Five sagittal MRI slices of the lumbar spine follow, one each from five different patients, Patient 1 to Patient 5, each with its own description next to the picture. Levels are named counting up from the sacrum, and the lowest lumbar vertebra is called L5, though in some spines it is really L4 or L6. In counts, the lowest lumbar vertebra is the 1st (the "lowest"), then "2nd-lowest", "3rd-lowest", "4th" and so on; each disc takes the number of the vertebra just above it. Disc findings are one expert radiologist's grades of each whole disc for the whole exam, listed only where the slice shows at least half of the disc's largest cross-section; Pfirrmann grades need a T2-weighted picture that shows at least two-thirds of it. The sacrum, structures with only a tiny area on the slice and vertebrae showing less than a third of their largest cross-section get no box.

Patient 1 of 5:
T2 SPACE (3D) sagittal MRI of the lumbar spine | 512x657 px
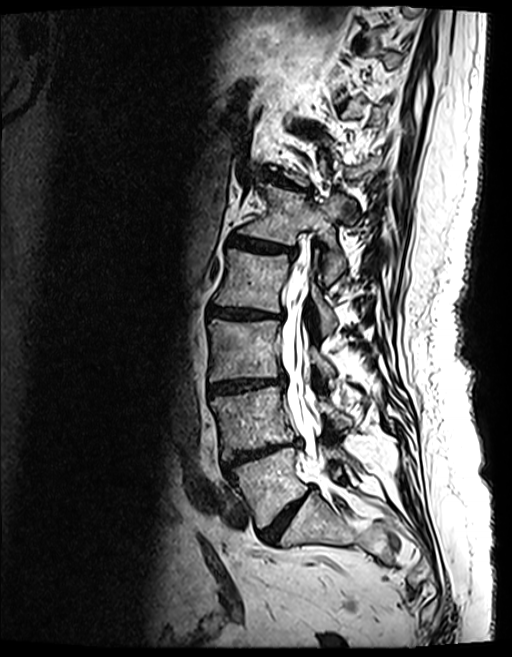 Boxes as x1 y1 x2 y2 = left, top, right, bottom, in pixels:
Lowest vertebra at 233 447 348 528, 5th vertebra at 238 185 345 283, 4th disc at 208 306 284 320, 6th disc at 254 172 310 193, 4th vertebra at 215 249 336 334, lowest disc at 256 492 309 540, 5th disc at 229 237 295 257, 2nd-lowest vertebra at 211 387 349 458, spinal canal at 280 257 327 476, 3rd-lowest vertebra at 209 320 333 381, 3rd-lowest disc at 209 377 284 394, 2nd-lowest disc at 224 441 300 474.

Radiological gradings:
- 4th disc: Pfirrmann grade 4, disc bulging, disc narrowing, lower-endplate change, upper-endplate change, Modic type II
- lowest disc: disc narrowing, disc bulging
- 5th disc: Pfirrmann grade 4, Modic type II, lower-endplate change, disc narrowing, upper-endplate change, disc bulging
- 6th disc: disc narrowing, disc bulging, Modic type II, lower-endplate change, upper-endplate change
- 2nd-lowest disc: Pfirrmann grade 5, upper-endplate change, disc bulging, lower-endplate change, disc narrowing, Modic type II
- 3rd-lowest disc: Pfirrmann grade 4, disc narrowing, disc bulging, lower-endplate change, upper-endplate change, Modic type II

Patient 2 of 5:
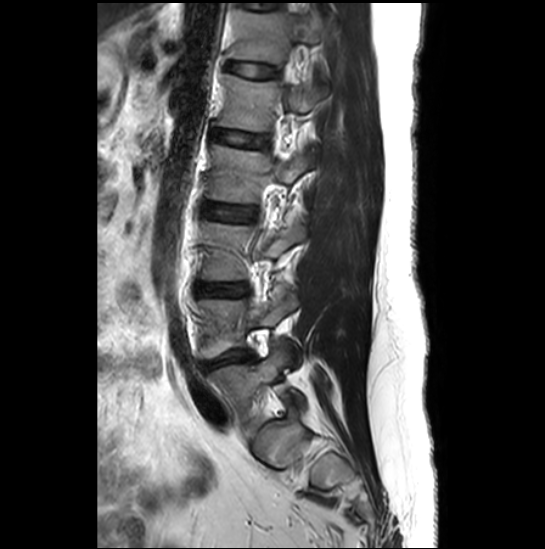 Sex F; T2-weighted sagittal MRI of the lumbar spine; Slice spacing 3.3 mm
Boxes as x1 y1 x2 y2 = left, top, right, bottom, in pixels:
L5: 209 346 306 418.
Intervertebral disc L1/L2: 214 131 263 146.
L3/L4: 197 284 247 296.
L2/L3: 204 203 256 221.
L1 vertebra: 219 73 327 131.
T12: 227 9 319 63.
L4/L5: 204 350 251 369.
L3: 201 221 306 281.
L2: 207 145 313 204.
L4: 198 290 302 368.
Intervertebral disc T12/L1: 226 62 276 77.

Degenerative findings by level:
• T12/L1: Pfirrmann grade 1
• L1/L2, L2/L3: no spondylolisthesis, narrowing, bulging, herniation, Modic or endplate change recorded

Patient 3 of 5:
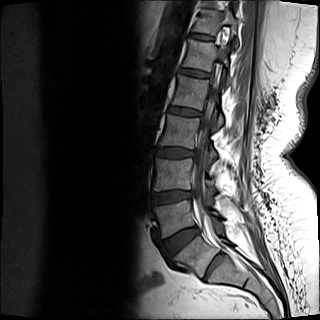

320x320 px, T1-weighted sagittal MRI of the lumbar spine, Patient sex: F
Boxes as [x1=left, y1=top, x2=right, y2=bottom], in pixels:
L2 vertebra at [x1=172, y1=74, x2=223, y2=127], L3 at [x1=159, y1=114, x2=216, y2=158], intervertebral disc L3/L4 at [x1=156, y1=148, x2=194, y2=157], intervertebral disc L5/S1 at [x1=162, y1=227, x2=199, y2=254], intervertebral disc L4/L5 at [x1=152, y1=190, x2=192, y2=204], T12 vertebra at [x1=193, y1=9, x2=237, y2=46], spinal canal at [x1=193, y1=73, x2=220, y2=217], L1/L2 at [x1=180, y1=69, x2=209, y2=77], L1 at [x1=183, y1=39, x2=230, y2=84], intervertebral disc T12/L1 at [x1=190, y1=34, x2=213, y2=40], L4 vertebra at [x1=153, y1=158, x2=217, y2=193], L5 at [x1=153, y1=200, x2=221, y2=237], intervertebral disc T11/T12 at [x1=202, y1=2, x2=215, y2=7], L2/L3 at [x1=169, y1=107, x2=200, y2=115].

Degenerative findings by level:
  L3/L4: lower-endplate change
  L4/L5: Modic type II, disc bulging, disc narrowing
  L5/S1, L2/L3, L1/L2, T12/L1: no Modic or endplate change, herniation, narrowing, bulging or spondylolisthesis recorded

Patient 4 of 5:
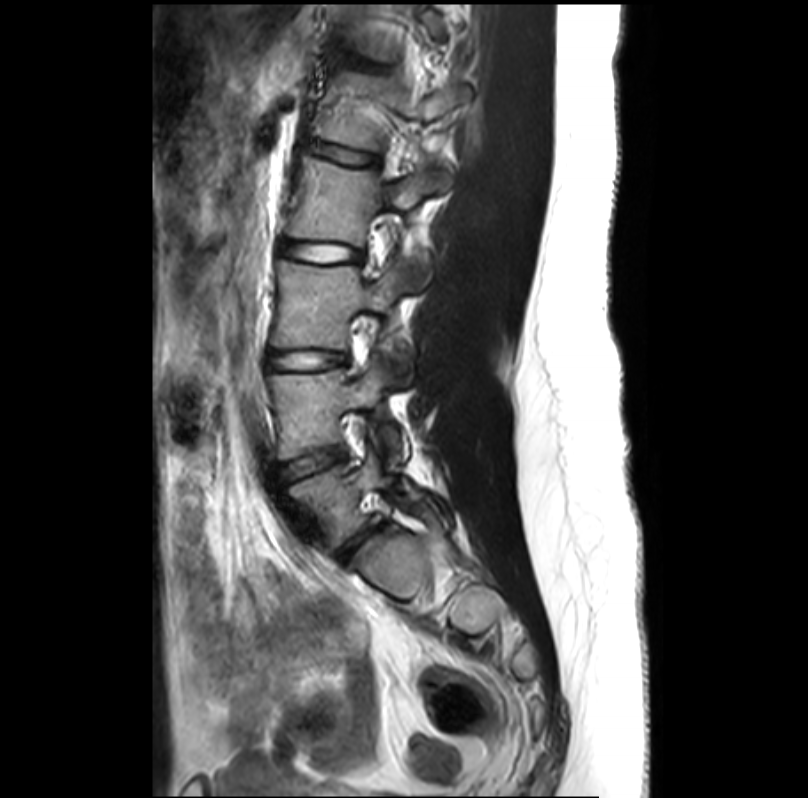 Lumbar spine MR, T2-weighted, sagittal; Slice 22/33; Field of view 286x282 mm, slice spacing 3.4 mm
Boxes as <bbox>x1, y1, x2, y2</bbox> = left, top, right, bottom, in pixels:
Segmented structures:
• lowest vertebra — <bbox>289, 451, 424, 546</bbox>
• 3rd-lowest vertebra — <bbox>272, 262, 411, 381</bbox>
• 4th vertebra — <bbox>288, 156, 447, 291</bbox>
• 3rd-lowest disc — <bbox>270, 352, 345, 367</bbox>
• 4th disc — <bbox>282, 242, 361, 262</bbox>
• lowest disc — <bbox>340, 531, 371, 557</bbox>
• 5th vertebra — <bbox>314, 72, 468, 151</bbox>
• 5th disc — <bbox>309, 143, 370, 164</bbox>
• 2nd-lowest vertebra — <bbox>270, 359, 407, 460</bbox>
• 2nd-lowest disc — <bbox>280, 448, 344, 477</bbox>

Radiological gradings:
- 5th disc: Pfirrmann grade 1
- 4th disc: Pfirrmann grade 1
- 3rd-lowest disc: Pfirrmann grade 1, disc bulging
- 2nd-lowest disc: no herniation, bulging, narrowing, spondylolisthesis, endplate or Modic change recorded

Patient 5 of 5:
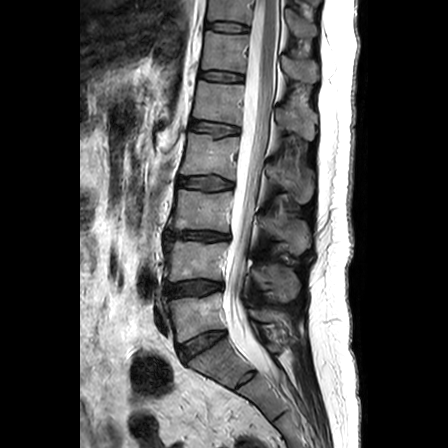
448x448 px; Lumbar spine MR, T2-weighted, sagittal

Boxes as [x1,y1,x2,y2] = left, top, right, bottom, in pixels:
Segmented structures:
- 3rd-lowest vertebra: [168,189,310,254]
- 7th vertebra: [208,0,317,36]
- 5th disc: [191,121,239,134]
- 2nd-lowest vertebra: [167,240,299,301]
- 5th vertebra: [193,80,316,140]
- spinal canal: [223,0,280,376]
- 3rd-lowest disc: [167,231,228,240]
- 2nd-lowest disc: [166,281,222,296]
- 4th vertebra: [181,133,312,202]
- 6th disc: [199,71,242,81]
- 7th disc: [206,22,248,31]
- lowest disc: [179,331,225,360]
- 6th vertebra: [202,31,318,83]
- lowest vertebra: [166,293,289,342]
- 4th disc: [178,176,232,190]

Degenerative findings by level:
  3rd-lowest disc: Pfirrmann grade 3, upper-endplate change, Modic type II, disc narrowing, lower-endplate change, disc herniation
  2nd-lowest disc: Pfirrmann grade 3, disc bulging
  lowest disc: Pfirrmann grade 3
  7th disc: Pfirrmann grade 1
  4th disc: Pfirrmann grade 1
  6th disc: Pfirrmann grade 2
  5th disc: Pfirrmann grade 2